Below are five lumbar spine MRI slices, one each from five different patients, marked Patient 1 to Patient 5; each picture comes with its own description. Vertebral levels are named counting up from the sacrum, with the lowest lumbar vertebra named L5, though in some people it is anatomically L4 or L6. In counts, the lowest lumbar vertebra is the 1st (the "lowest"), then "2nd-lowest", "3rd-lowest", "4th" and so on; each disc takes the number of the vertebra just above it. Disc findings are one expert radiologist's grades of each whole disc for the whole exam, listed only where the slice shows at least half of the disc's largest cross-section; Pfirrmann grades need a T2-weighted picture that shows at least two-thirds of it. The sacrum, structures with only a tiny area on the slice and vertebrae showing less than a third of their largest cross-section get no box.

Patient 1 of 5:
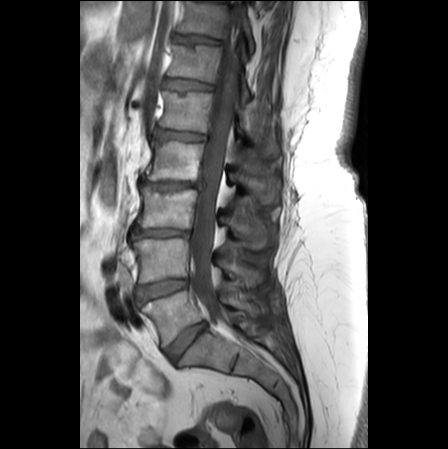

Sex F | Slice 12 of 25 | Sagittal T1-weighted lumbar spine MRI
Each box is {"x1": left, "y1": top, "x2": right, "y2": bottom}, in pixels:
{"T12 (6th vertebra)": {"x1": 168, "y1": 45, "x2": 249, "y2": 101}, "L4 (2nd-lowest vertebra)": {"x1": 131, "y1": 239, "x2": 263, "y2": 286}, "L5 (lowest vertebra)": {"x1": 142, "y1": 290, "x2": 258, "y2": 346}, "disc L2/L3 (4th disc)": {"x1": 140, "y1": 177, "x2": 200, "y2": 188}, "disc L4/L5 (2nd-lowest disc)": {"x1": 137, "y1": 279, "x2": 187, "y2": 301}, "T11 (7th vertebra)": {"x1": 176, "y1": 2, "x2": 254, "y2": 46}, "L5/S1 (lowest disc)": {"x1": 166, "y1": 322, "x2": 206, "y2": 362}, "L2 (4th vertebra)": {"x1": 146, "y1": 141, "x2": 277, "y2": 203}, "disc T11/T12 (7th disc)": {"x1": 173, "y1": 34, "x2": 219, "y2": 43}, "disc L1/L2 (5th disc)": {"x1": 152, "y1": 128, "x2": 205, "y2": 140}, "thecal sac / spinal canal": {"x1": 190, "y1": 18, "x2": 240, "y2": 323}, "L3 (3rd-lowest vertebra)": {"x1": 137, "y1": 186, "x2": 269, "y2": 248}, "disc T12/L1 (6th disc)": {"x1": 163, "y1": 79, "x2": 211, "y2": 89}, "disc L3/L4 (3rd-lowest disc)": {"x1": 131, "y1": 226, "x2": 190, "y2": 239}, "L1 (5th vertebra)": {"x1": 159, "y1": 92, "x2": 250, "y2": 145}}

Degenerative findings by level:
- L4/L5 (2nd-lowest disc): Modic type II, lower-endplate change, disc bulging, upper-endplate change
- L1/L2 (5th disc): disc bulging
- T11/T12 (7th disc): upper-endplate change
- L5/S1 (lowest disc): disc bulging
- L2/L3 (4th disc): Modic type II, lower-endplate change, disc narrowing, disc herniation, upper-endplate change
- T12/L1 (6th disc): upper-endplate change
- L3/L4 (3rd-lowest disc): disc narrowing, lower-endplate change, disc bulging, upper-endplate change

Patient 2 of 5:
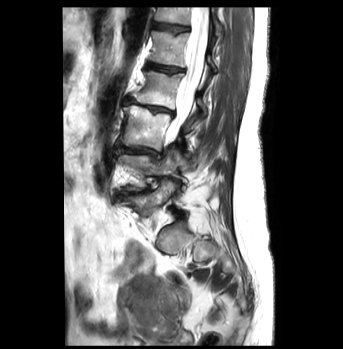 Slice 18 of 43, Lumbar spine MR, T2-weighted, sagittal
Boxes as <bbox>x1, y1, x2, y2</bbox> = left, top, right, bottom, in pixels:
3rd-lowest disc: <bbox>114, 143, 159, 157</bbox>.
4th disc: <bbox>123, 97, 173, 113</bbox>.
Lowest vertebra: <bbox>122, 181, 175, 216</bbox>.
2nd-lowest vertebra: <bbox>120, 151, 185, 190</bbox>.
4th vertebra: <bbox>134, 70, 206, 116</bbox>.
5th disc: <bbox>146, 62, 184, 73</bbox>.
3rd-lowest vertebra: <bbox>121, 106, 182, 150</bbox>.
6th vertebra: <bbox>154, 6, 222, 35</bbox>.
5th vertebra: <bbox>149, 30, 215, 70</bbox>.
Spinal canal: <bbox>171, 7, 208, 139</bbox>.
6th disc: <bbox>152, 22, 189, 32</bbox>.
2nd-lowest disc: <bbox>118, 187, 148, 198</bbox>.

Radiological gradings:
- 5th disc: upper-endplate change
- 4th disc: lower-endplate change, Modic type II, disc narrowing, disc bulging
- 6th disc: Pfirrmann grade 1, upper-endplate change
- 3rd-lowest disc: Pfirrmann grade 3, disc bulging, Modic type II

Patient 3 of 5:
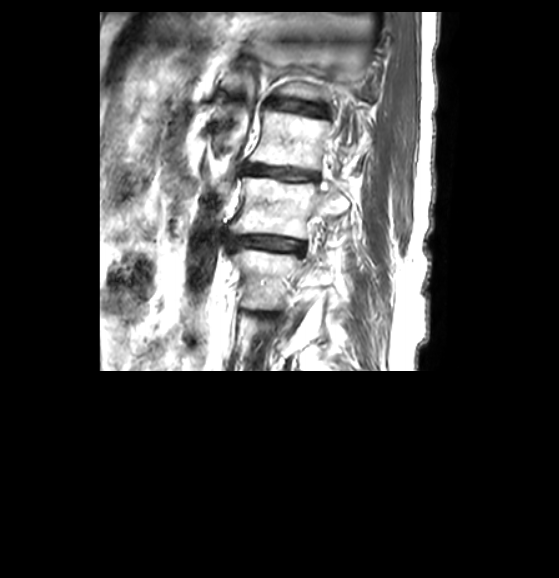
Slice spacing 3.3 mm, Sex F, Sagittal T2-weighted lumbar spine MRI, Slice 34 of 50

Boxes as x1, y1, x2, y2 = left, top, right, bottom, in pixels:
L1 vertebra: 250, 110, 349, 171
L2: 230, 177, 349, 238
L2/L3: 226, 235, 304, 256
L1/L2: 245, 164, 314, 180
IVD T12/L1: 267, 98, 324, 114
L3: 230, 247, 329, 308

Degenerative findings by level:
  L2/L3: Pfirrmann grade 4, disc narrowing, disc bulging
  L1/L2: Pfirrmann grade 4, disc narrowing
  T12/L1: Pfirrmann grade 4, lower-endplate change, disc narrowing

Patient 4 of 5:
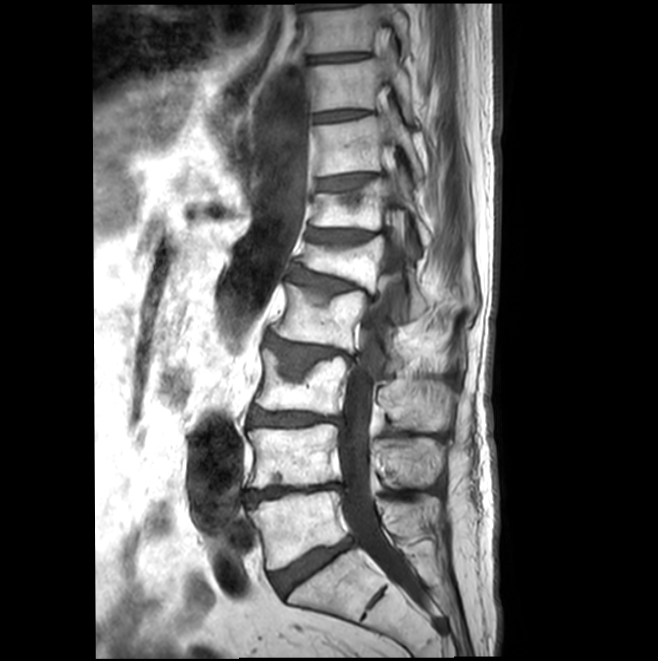 T1-weighted sagittal MRI of the lumbar spine; Slice 12/22
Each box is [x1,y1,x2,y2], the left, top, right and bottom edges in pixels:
Lowest disc: [270,538,350,594].
5th vertebra: [300,236,427,318].
Lowest vertebra: [248,491,438,569].
Spinal canal: [338,18,408,583].
3rd-lowest vertebra: [255,348,450,431].
2nd-lowest disc: [246,483,338,506].
3rd-lowest disc: [250,410,339,426].
4th vertebra: [271,283,444,363].
9th vertebra: [300,4,409,53].
7th vertebra: [315,112,423,186].
6th vertebra: [311,170,431,246].
6th disc: [308,229,373,243].
5th disc: [291,269,376,300].
4th disc: [265,335,350,374].
8th disc: [315,110,367,122].
8th vertebra: [307,53,413,117].
9th disc: [308,53,366,62].
7th disc: [317,175,375,199].
2nd-lowest vertebra: [247,424,444,488].

Expert MSK radiologist gradings (per disc):
• 6th disc: Modic type II, disc narrowing, upper-endplate change
• 3rd-lowest disc: disc bulging, Modic type II, upper-endplate change, disc narrowing, lower-endplate change
• 2nd-lowest disc: lower-endplate change, Modic type II, disc bulging, upper-endplate change, disc narrowing
• lowest disc: Modic type II, disc narrowing, disc bulging
• 4th disc: disc narrowing, Modic type II, disc bulging, upper-endplate change
• 7th disc: upper-endplate change, Modic type II
• 5th disc: spondylolisthesis, disc bulging, Modic type II, disc narrowing, upper-endplate change
• 9th disc, 8th disc: no herniation, bulging, narrowing, spondylolisthesis, endplate or Modic change recorded

Patient 5 of 5:
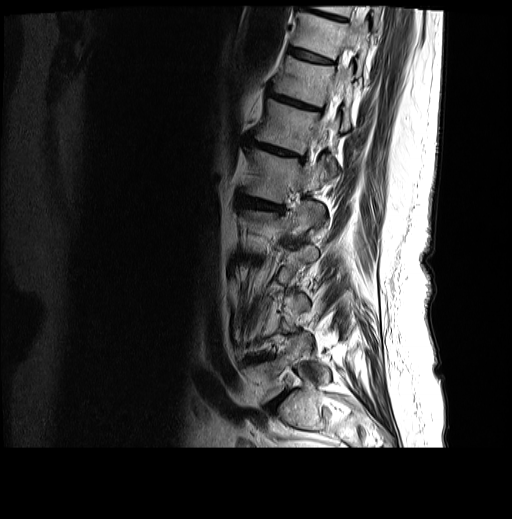 T2-weighted sagittal MRI of the lumbar spine; Sex F

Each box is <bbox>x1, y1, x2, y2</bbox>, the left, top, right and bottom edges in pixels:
5th disc at <bbox>241, 197, 282, 209</bbox>, 5th vertebra at <bbox>247, 149, 332, 202</bbox>, 9th vertebra at <bbox>313, 6, 381, 30</bbox>, spinal canal at <bbox>315, 36, 356, 145</bbox>, 6th disc at <bbox>253, 141, 302, 159</bbox>, lowest vertebra at <bbox>243, 332, 330, 401</bbox>, 6th vertebra at <bbox>255, 99, 339, 174</bbox>, 7th vertebra at <bbox>272, 55, 353, 124</bbox>, 8th disc at <bbox>289, 47, 330, 63</bbox>, 9th disc at <bbox>297, 0, 345, 19</bbox>, 8th vertebra at <bbox>293, 12, 369, 75</bbox>, lowest disc at <bbox>269, 389, 288, 409</bbox>, 7th disc at <bbox>268, 92, 318, 110</bbox>.

Degenerative findings by level:
• 8th disc: Pfirrmann grade 4, Modic type II, lower-endplate change, upper-endplate change
• 6th disc: Pfirrmann grade 4, disc bulging, upper-endplate change, disc narrowing, lower-endplate change, Modic type II
• 7th disc: Pfirrmann grade 5, upper-endplate change, lower-endplate change, disc narrowing, disc bulging, Modic type II
• 9th disc: Pfirrmann grade 4, upper-endplate change, lower-endplate change, disc bulging, Modic type II
• 5th disc: Pfirrmann grade 4, Modic type II, lower-endplate change, disc bulging, disc narrowing, upper-endplate change